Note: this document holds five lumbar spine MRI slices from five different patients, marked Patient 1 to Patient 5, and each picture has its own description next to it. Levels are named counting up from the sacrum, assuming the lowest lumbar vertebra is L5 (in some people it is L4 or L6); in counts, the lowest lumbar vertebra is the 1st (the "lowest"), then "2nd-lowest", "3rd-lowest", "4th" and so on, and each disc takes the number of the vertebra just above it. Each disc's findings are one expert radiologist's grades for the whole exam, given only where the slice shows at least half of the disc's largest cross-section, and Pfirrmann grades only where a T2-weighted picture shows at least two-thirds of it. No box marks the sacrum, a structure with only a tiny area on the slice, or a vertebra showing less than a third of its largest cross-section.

Patient 1 of 5:
T1-weighted sagittal MRI of the lumbar spine 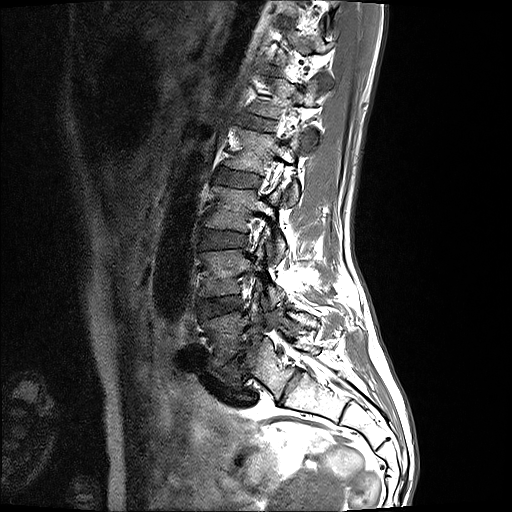

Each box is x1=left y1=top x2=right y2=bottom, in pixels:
• intervertebral disc L4/L5 = x1=198 y1=296 x2=242 y2=319
• L3 = x1=205 y1=185 x2=286 y2=259
• L1 vertebra = x1=252 y1=79 x2=319 y2=144
• L2/L3 = x1=216 y1=168 x2=260 y2=187
• intervertebral disc L3/L4 = x1=200 y1=230 x2=247 y2=249
• L2 = x1=225 y1=127 x2=304 y2=204
• intervertebral disc L5/S1 = x1=216 y1=334 x2=262 y2=376
• L5 = x1=202 y1=293 x2=319 y2=367
• L4 = x1=199 y1=245 x2=285 y2=308
• intervertebral disc L1/L2 = x1=240 y1=116 x2=273 y2=130

Expert MSK radiologist gradings (per disc):
  L5/S1: spondylolisthesis, disc narrowing, disc bulging, Modic type II
  L3/L4, L1/L2, L4/L5, L2/L3: no Modic or endplate change, herniation, narrowing, bulging or spondylolisthesis recorded

Patient 2 of 5:
Lumbar spine MR, T2-weighted, sagittal | Slice 14/18 | SIEMENS Avanto_fit (1.5T) | Patient sex: M
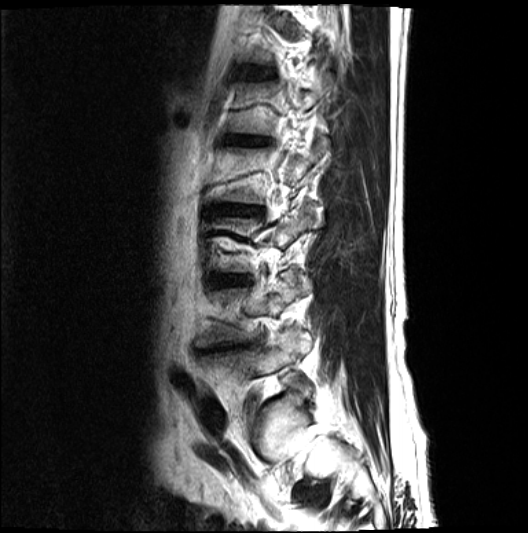
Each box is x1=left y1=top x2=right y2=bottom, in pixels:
5th disc: x1=231 y1=138 x2=266 y2=144.
3rd-lowest disc: x1=214 y1=275 x2=249 y2=286.
2nd-lowest disc: x1=208 y1=345 x2=246 y2=352.
2nd-lowest vertebra: x1=197 y1=272 x2=312 y2=347.
Lowest vertebra: x1=201 y1=329 x2=311 y2=375.
6th disc: x1=243 y1=68 x2=274 y2=78.
5th vertebra: x1=231 y1=73 x2=334 y2=135.
4th disc: x1=213 y1=205 x2=262 y2=214.

Degenerative findings by level:
• 4th disc: disc bulging, lower-endplate change, disc narrowing, Modic type II, upper-endplate change

Patient 3 of 5:
MRI lumbar spine (T1-weighted), sagittal plane, Sex F, Slice 16 of 21, Field of view 310x308 mm
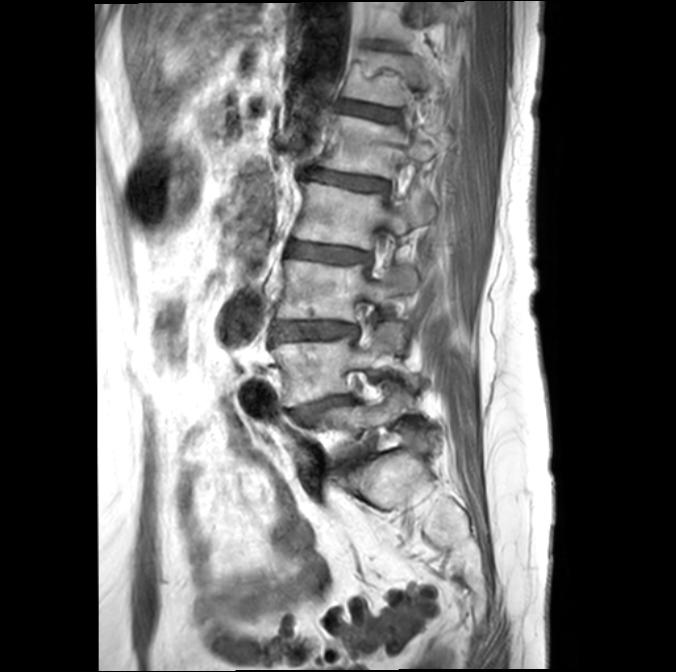

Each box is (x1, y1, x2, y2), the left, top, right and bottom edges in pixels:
L5 vertebra: (311, 391, 407, 449).
L1/L2: (307, 169, 387, 189).
IVD L4/L5: (293, 396, 352, 415).
L3: (276, 259, 416, 320).
IVD L3/L4: (274, 321, 357, 339).
T12 vertebra: (345, 50, 443, 105).
T12/L1: (340, 101, 398, 120).
L2: (295, 181, 435, 248).
L4: (272, 322, 402, 405).
L1: (318, 114, 449, 176).
L2/L3: (290, 242, 370, 261).

Expert MSK radiologist gradings (per disc):
  T12/L1: Modic type II, upper-endplate change, lower-endplate change
  L2/L3: Modic type II, upper-endplate change
  L1/L2: lower-endplate change, Modic type II
  L3/L4: upper-endplate change, lower-endplate change, disc bulging, Modic type II

Patient 4 of 5:
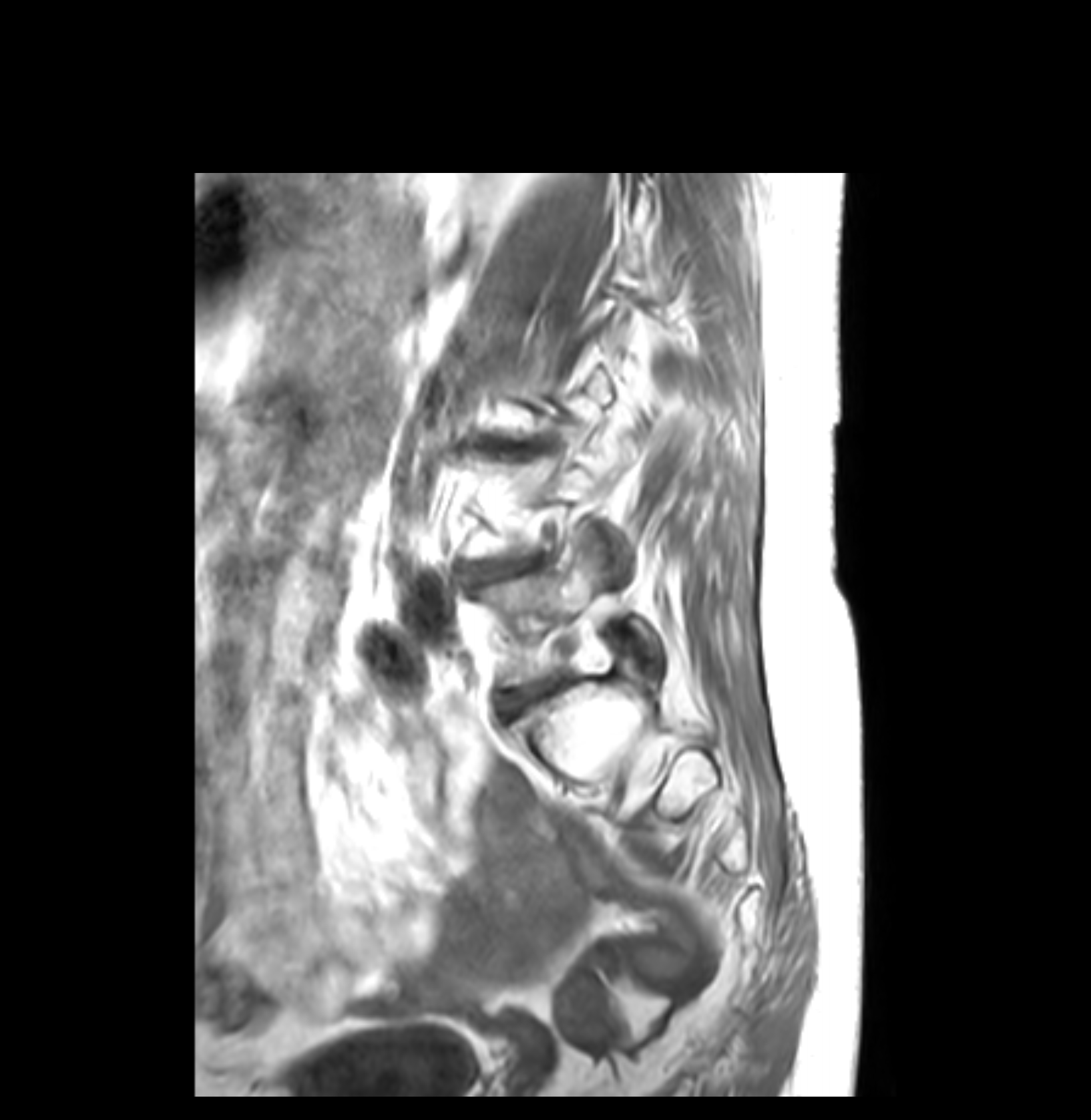

1091x1120 px. T1-weighted sagittal MRI of the lumbar spine.

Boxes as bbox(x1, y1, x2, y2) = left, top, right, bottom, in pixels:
- L5/S1 (lowest disc) — bbox(504, 681, 557, 711)
- L5 (lowest vertebra) — bbox(477, 540, 657, 685)
- L3/L4 (3rd-lowest disc) — bbox(489, 440, 540, 447)
- L4/L5 (2nd-lowest disc) — bbox(473, 561, 521, 580)

Patient 5 of 5:
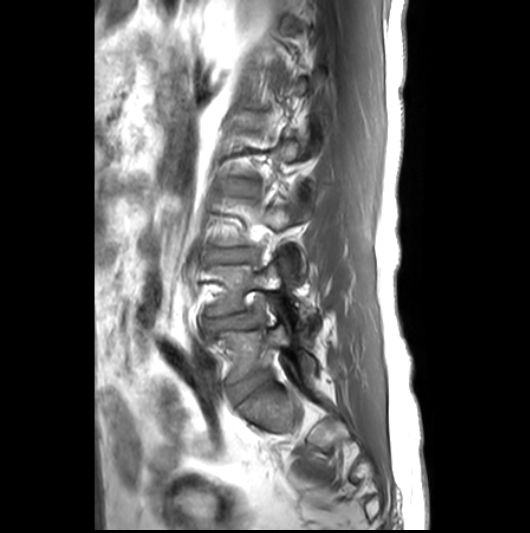 Sagittal slice index 6; Patient sex: M; MRI lumbar spine (T1-weighted), sagittal plane

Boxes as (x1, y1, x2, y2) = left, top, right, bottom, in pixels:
L4 (2nd-lowest vertebra) at (207, 265, 306, 325).
Intervertebral disc L2/L3 (4th disc) at (234, 180, 257, 196).
Intervertebral disc L3/L4 (3rd-lowest disc) at (209, 248, 251, 262).
L5 (lowest vertebra) at (209, 322, 317, 381).
L4/L5 (2nd-lowest disc) at (206, 311, 265, 330).
L5/S1 (lowest disc) at (229, 371, 272, 404).

Per-level radiological findings:
- L4/L5 (2nd-lowest disc): disc herniation, disc bulging, Modic type II, disc narrowing